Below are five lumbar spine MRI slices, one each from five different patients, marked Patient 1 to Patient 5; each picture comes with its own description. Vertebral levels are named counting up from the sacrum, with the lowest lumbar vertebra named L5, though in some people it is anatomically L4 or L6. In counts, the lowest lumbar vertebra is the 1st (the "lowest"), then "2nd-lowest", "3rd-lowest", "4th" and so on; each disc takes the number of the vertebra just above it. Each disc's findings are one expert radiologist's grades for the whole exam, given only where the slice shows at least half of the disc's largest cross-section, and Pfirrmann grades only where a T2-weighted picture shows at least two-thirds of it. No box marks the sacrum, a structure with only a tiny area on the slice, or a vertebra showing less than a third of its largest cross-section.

Patient 1 of 5:
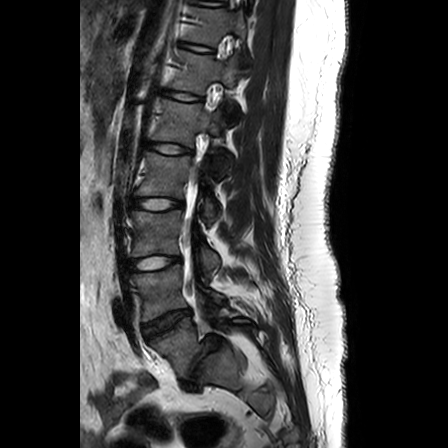 Sex F; Sagittal T2-weighted lumbar spine MRI

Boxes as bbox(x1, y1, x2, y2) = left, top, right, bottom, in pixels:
{"L1 (5th vertebra)": "bbox(151, 100, 227, 167)", "T11 (7th vertebra)": "bbox(184, 8, 246, 44)", "L5 (lowest vertebra)": "bbox(151, 317, 250, 377)", "L2 (4th vertebra)": "bbox(137, 152, 215, 219)", "T12/L1 (6th disc)": "bbox(164, 91, 201, 100)", "T12 (6th vertebra)": "bbox(170, 50, 236, 94)", "intervertebral disc L4/L5 (2nd-lowest disc)": "bbox(144, 309, 190, 338)", "L3 (3rd-lowest vertebra)": "bbox(133, 210, 219, 270)", "L4 (2nd-lowest vertebra)": "bbox(134, 265, 224, 321)", "L3/L4 (3rd-lowest disc)": "bbox(132, 256, 180, 271)", "T11/T12 (7th disc)": "bbox(180, 42, 209, 51)", "intervertebral disc L2/L3 (4th disc)": "bbox(133, 198, 182, 209)", "intervertebral disc L1/L2 (5th disc)": "bbox(147, 142, 189, 154)", "intervertebral disc L5/S1 (lowest disc)": "bbox(188, 335, 221, 379)"}

Per-level radiological findings:
  L5/S1 (lowest disc): Pfirrmann grade 1, lower-endplate change, disc bulging, disc narrowing, spondylolisthesis
  L4/L5 (2nd-lowest disc): Pfirrmann grade 1, disc bulging
  L3/L4 (3rd-lowest disc): Pfirrmann grade 3
  L1/L2 (5th disc): Pfirrmann grade 1
  L2/L3 (4th disc): Pfirrmann grade 4
  T12/L1 (6th disc): Pfirrmann grade 1
  T11/T12 (7th disc): no Modic or endplate change, herniation, narrowing, bulging or spondylolisthesis recorded

Patient 2 of 5:
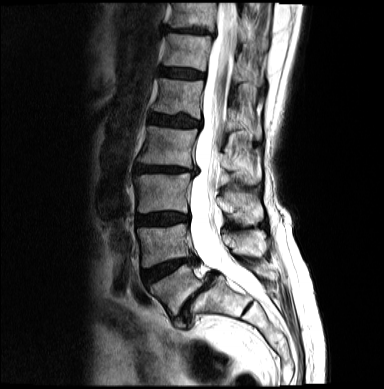 Field of view 260x264 mm, slice spacing 4.8 mm, 384x389 px, T2-weighted sagittal MRI of the lumbar spine, Sagittal slice index 9
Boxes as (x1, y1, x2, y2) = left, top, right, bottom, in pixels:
Segmented structures:
• L3 (3rd-lowest vertebra): (135, 173, 264, 225)
• L5/S1 (lowest disc): (175, 273, 216, 323)
• IVD T12/L1 (6th disc): (162, 68, 205, 79)
• L4 (2nd-lowest vertebra): (138, 225, 264, 269)
• T12 (6th vertebra): (165, 34, 249, 84)
• L2 (4th vertebra): (139, 127, 261, 184)
• L5 (lowest vertebra): (150, 262, 273, 316)
• L2/L3 (4th disc): (135, 166, 198, 174)
• IVD T11/T12 (7th disc): (167, 28, 207, 35)
• L1 (5th vertebra): (153, 78, 263, 137)
• IVD L1/L2 (5th disc): (151, 114, 202, 127)
• spinal canal: (192, 1, 258, 296)
• L4/L5 (2nd-lowest disc): (144, 259, 198, 285)
• T11 (7th vertebra): (171, 1, 247, 42)
• L3/L4 (3rd-lowest disc): (138, 213, 188, 225)

Expert MSK radiologist gradings (per disc):
  L1/L2 (5th disc): Pfirrmann grade 4, disc bulging, lower-endplate change
  L3/L4 (3rd-lowest disc): Pfirrmann grade 4, disc bulging
  L2/L3 (4th disc): Pfirrmann grade 4, Modic type II, disc bulging, disc narrowing
  T12/L1 (6th disc): Pfirrmann grade 3
  L5/S1 (lowest disc): Pfirrmann grade 5, upper-endplate change, lower-endplate change, disc herniation, Modic type II, disc narrowing, disc bulging, spondylolisthesis
  L4/L5 (2nd-lowest disc): Pfirrmann grade 4, disc narrowing, Modic type II
  T11/T12 (7th disc): Pfirrmann grade 4, disc bulging, disc narrowing

Patient 3 of 5:
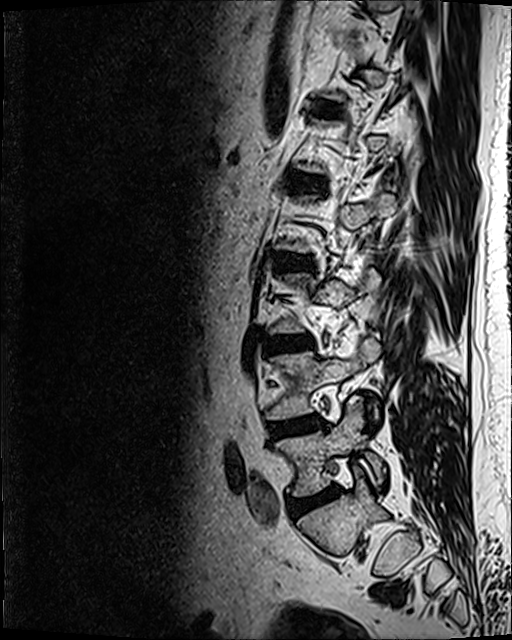
Image 512x640. Sagittal T2 SPACE (3D) lumbar spine MRI.

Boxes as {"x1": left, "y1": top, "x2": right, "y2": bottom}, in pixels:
Structures:
- 6th disc: {"x1": 315, "y1": 102, "x2": 335, "y2": 111}
- 4th disc: {"x1": 278, "y1": 255, "x2": 309, "y2": 269}
- lowest vertebra: {"x1": 276, "y1": 395, "x2": 385, "y2": 496}
- 3rd-lowest disc: {"x1": 266, "y1": 337, "x2": 310, "y2": 351}
- 2nd-lowest disc: {"x1": 270, "y1": 415, "x2": 321, "y2": 437}
- lowest disc: {"x1": 291, "y1": 487, "x2": 340, "y2": 517}
- 2nd-lowest vertebra: {"x1": 266, "y1": 336, "x2": 380, "y2": 419}
- 5th disc: {"x1": 292, "y1": 173, "x2": 324, "y2": 192}

Patient 4 of 5:
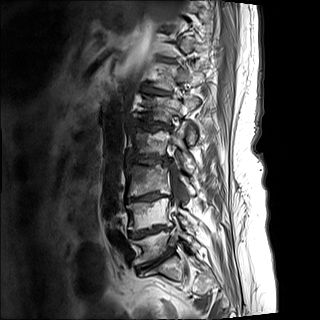 320x320 px. Lumbar spine MR, T1-weighted, sagittal.

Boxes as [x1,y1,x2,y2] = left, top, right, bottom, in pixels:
{"L3/L4": "[127,192,170,201]", "L2": "[127,121,195,172]", "intervertebral disc L1/L2": "[133,121,172,131]", "T12/L1": "[143,87,169,94]", "T12 vertebra": "[153,60,206,90]", "L5/S1": "[136,247,174,270]", "L3 vertebra": "[125,164,196,196]", "L4/L5": "[128,225,169,238]", "L5 vertebra": "[132,226,197,264]", "spinal canal": "[169,162,183,213]", "L4 vertebra": "[126,198,198,231]", "intervertebral disc L2/L3": "[129,156,169,166]", "L1 vertebra": "[134,96,199,143]"}

Expert MSK radiologist gradings (per disc):
- L2/L3: disc bulging, lower-endplate change, Modic type I, upper-endplate change, disc narrowing
- L5/S1: disc bulging, Modic type II, disc narrowing, lower-endplate change, upper-endplate change
- L1/L2: disc narrowing, upper-endplate change, disc bulging, Modic type I, lower-endplate change
- L3/L4: disc bulging, upper-endplate change, Modic type II, lower-endplate change, disc narrowing
- L4/L5: disc narrowing, lower-endplate change, upper-endplate change, Modic type II, disc bulging
- T12/L1: no herniation, bulging, narrowing, spondylolisthesis, endplate or Modic change recorded

Patient 5 of 5:
Patient sex: M | Sagittal T2-weighted lumbar spine MRI | Image 499x503 | Slice 7/18 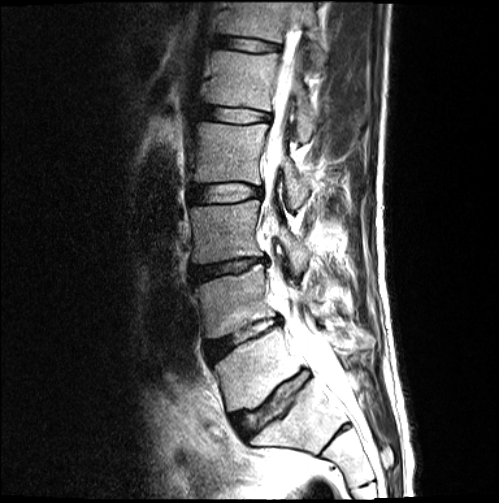 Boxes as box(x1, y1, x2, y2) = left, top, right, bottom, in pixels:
Spinal canal at box(265, 66, 354, 405); 2nd-lowest disc at box(205, 318, 280, 362); lowest vertebra at box(214, 327, 375, 411); 5th disc at box(198, 105, 269, 122); 6th disc at box(218, 36, 278, 52); 6th vertebra at box(222, 2, 327, 71); lowest disc at box(233, 371, 306, 435); 3rd-lowest disc at box(190, 258, 265, 282); 4th vertebra at box(192, 122, 310, 208); 5th vertebra at box(205, 51, 319, 142); 3rd-lowest vertebra at box(191, 200, 310, 273); 4th disc at box(190, 183, 262, 203); 2nd-lowest vertebra at box(195, 264, 347, 338).

Expert MSK radiologist gradings (per disc):
- 4th disc: Pfirrmann grade 2
- 3rd-lowest disc: Pfirrmann grade 4, disc narrowing, lower-endplate change, disc bulging, upper-endplate change
- 2nd-lowest disc: Pfirrmann grade 4, upper-endplate change, disc narrowing, lower-endplate change, disc bulging
- 6th disc: Pfirrmann grade 2
- 5th disc: Pfirrmann grade 2
- lowest disc: Pfirrmann grade 3, lower-endplate change, upper-endplate change, disc bulging, disc narrowing